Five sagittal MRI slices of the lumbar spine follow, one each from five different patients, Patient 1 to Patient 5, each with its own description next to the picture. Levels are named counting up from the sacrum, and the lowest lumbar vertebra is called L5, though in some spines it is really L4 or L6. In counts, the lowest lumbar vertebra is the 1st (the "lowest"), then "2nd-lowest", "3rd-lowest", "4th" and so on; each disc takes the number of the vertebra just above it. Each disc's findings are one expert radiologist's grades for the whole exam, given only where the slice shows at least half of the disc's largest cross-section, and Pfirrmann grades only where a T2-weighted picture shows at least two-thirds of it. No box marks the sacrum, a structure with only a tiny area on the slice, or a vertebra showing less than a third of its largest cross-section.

Patient 1 of 5:
T2-weighted sagittal MRI of the lumbar spine. 808x798 px. Field of view 286x282 mm, slice spacing 3.4 mm.

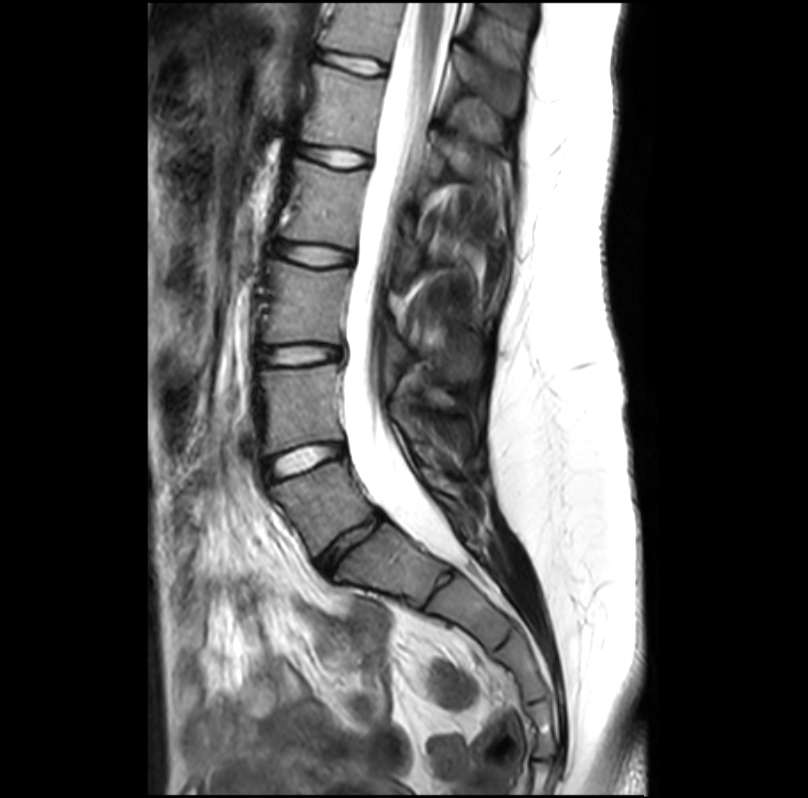 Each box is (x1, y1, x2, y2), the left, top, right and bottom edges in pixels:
Disc L1/L2 at (300, 146, 367, 167), L4/L5 at (267, 443, 343, 478), L5/S1 at (317, 514, 383, 572), spinal canal at (343, 3, 457, 561), T12 vertebra at (323, 3, 520, 113), L5 at (270, 463, 461, 555), L1 at (304, 65, 486, 178), L2 at (283, 159, 422, 289), L4 vertebra at (258, 364, 467, 459), L2/L3 at (275, 242, 350, 264), L3 at (263, 262, 409, 385), disc L3/L4 at (259, 346, 339, 363), T12/L1 at (319, 53, 384, 74).

Degenerative findings by level:
- L4/L5: Pfirrmann grade 1
- T12/L1: Pfirrmann grade 1
- L1/L2: Pfirrmann grade 1
- L3/L4: Pfirrmann grade 1, disc bulging
- L2/L3: Pfirrmann grade 1
- L5/S1: Pfirrmann grade 3, disc narrowing

Patient 2 of 5:
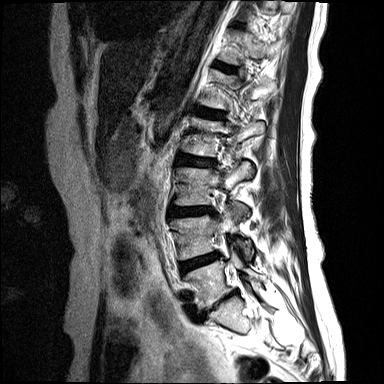
Image 384x384. Slice 12 of 15. MRI lumbar spine (T2-weighted), sagittal plane. Field of view 280x280 mm, slice spacing 4.4 mm.
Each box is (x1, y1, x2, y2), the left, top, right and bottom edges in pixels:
6th vertebra — (222, 30, 277, 64) | 2nd-lowest disc — (180, 252, 219, 274) | 4th disc — (178, 156, 215, 166) | lowest disc — (202, 292, 236, 316) | 5th disc — (197, 107, 224, 118) | 3rd-lowest vertebra — (174, 162, 254, 205) | 4th vertebra — (183, 117, 265, 156) | 6th disc — (213, 62, 236, 71) | 5th vertebra — (202, 70, 276, 109) | 2nd-lowest vertebra — (171, 202, 251, 260) | 3rd-lowest disc — (170, 208, 213, 216) | lowest vertebra — (185, 249, 259, 310)

Degenerative findings by level:
• 4th disc: upper-endplate change, disc bulging, Modic type II
• 2nd-lowest disc: Modic type II, disc bulging
• 3rd-lowest disc: Pfirrmann grade 4, Modic type II, disc bulging, disc narrowing
• lowest disc: lower-endplate change, disc narrowing, disc bulging, Modic type II, upper-endplate change
• 5th disc: Modic type II

Patient 3 of 5:
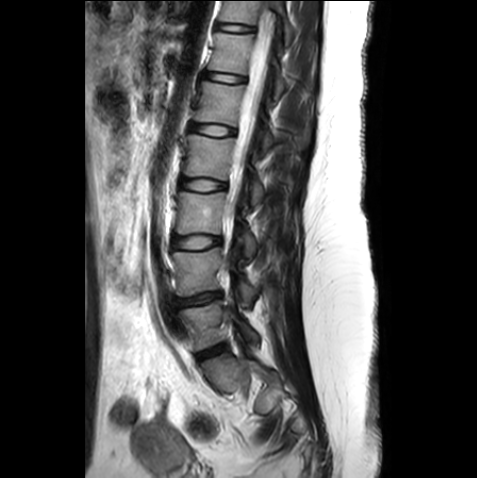 Field of view 280x281 mm, slice spacing 3.3 mm; T2-weighted sagittal MRI of the lumbar spine
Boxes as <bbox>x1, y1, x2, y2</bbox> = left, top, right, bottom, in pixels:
{"disc L5/S1": "<bbox>197, 343, 226, 361</bbox>", "L3/L4": "<bbox>172, 235, 220, 248</bbox>", "disc L4/L5": "<bbox>175, 292, 220, 306</bbox>", "L2": "<bbox>184, 134, 263, 205</bbox>", "T11": "<bbox>219, 1, 294, 45</bbox>", "disc L1/L2": "<bbox>189, 123, 235, 135</bbox>", "L4 vertebra": "<bbox>172, 247, 259, 304</bbox>", "L2/L3": "<bbox>180, 178, 226, 190</bbox>", "T12/L1": "<bbox>205, 71, 245, 82</bbox>", "T12": "<bbox>209, 32, 287, 98</bbox>", "T11/T12": "<bbox>216, 22, 253, 31</bbox>", "thecal sac / spinal canal": "<bbox>226, 21, 271, 227</bbox>", "L1 vertebra": "<bbox>194, 81, 308, 155</bbox>", "L5 vertebra": "<bbox>180, 301, 258, 350</bbox>", "L3 vertebra": "<bbox>176, 192, 255, 256</bbox>"}

Per-level radiological findings:
  L2/L3: Pfirrmann grade 1
  T11/T12: Pfirrmann grade 1
  T12/L1: Pfirrmann grade 1
  L1/L2: Pfirrmann grade 1
  L3/L4: Pfirrmann grade 1
  L4/L5: Pfirrmann grade 3, disc narrowing, disc bulging

Patient 4 of 5:
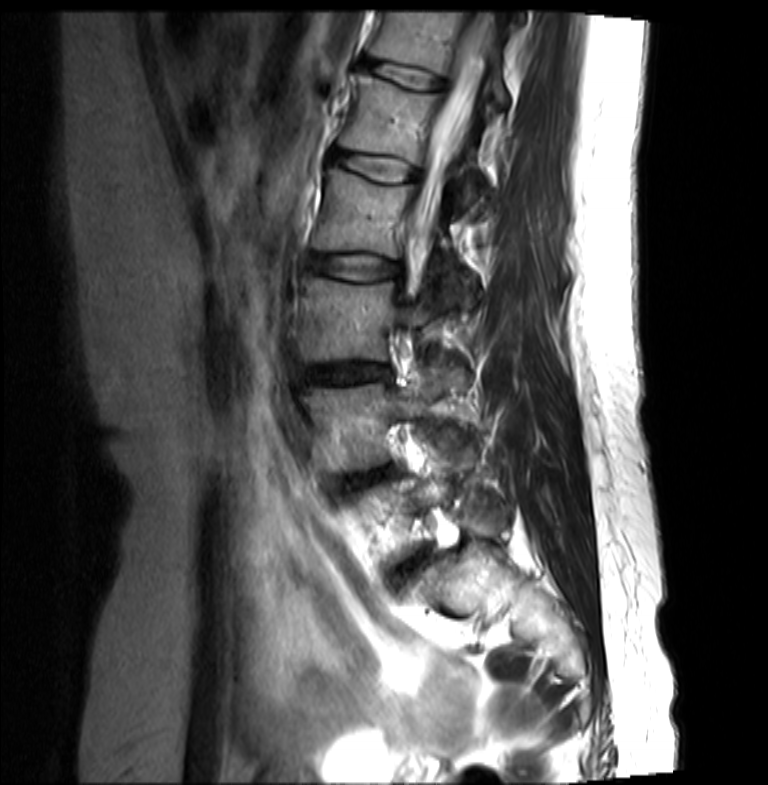
T2-weighted sagittal MRI of the lumbar spine.

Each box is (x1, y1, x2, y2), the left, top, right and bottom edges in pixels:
T12 vertebra at (369, 10, 508, 105), L1 vertebra at (339, 73, 483, 209), L2 vertebra at (313, 169, 468, 302), T12/L1 at (360, 61, 444, 90), disc L1/L2 at (331, 152, 416, 181), L2/L3 at (311, 255, 401, 279), L3/L4 at (309, 366, 389, 383), L3 vertebra at (303, 275, 434, 360), spinal canal at (413, 13, 496, 252), L4 vertebra at (303, 366, 467, 469).

Expert MSK radiologist gradings (per disc):
  L2/L3: Pfirrmann grade 2
  L3/L4: disc bulging
  L1/L2: Pfirrmann grade 2
  T12/L1: Pfirrmann grade 2

Patient 5 of 5:
Field of view 280x282 mm. Sagittal T1-weighted lumbar spine MRI.

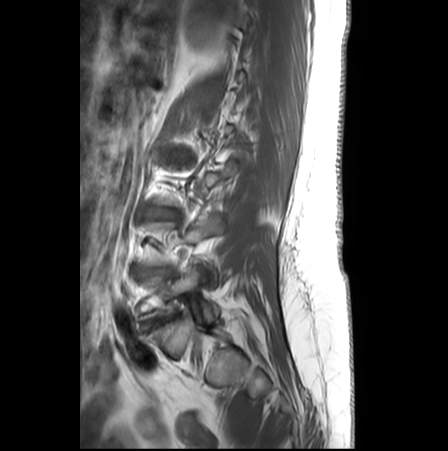
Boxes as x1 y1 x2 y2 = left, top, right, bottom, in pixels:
{"L4/L5 (2nd-lowest disc)": "135 268 174 276", "L5 (lowest vertebra)": "140 266 214 321", "intervertebral disc L3/L4 (3rd-lowest disc)": "157 209 177 218", "L5/S1 (lowest disc)": "142 315 172 330"}

Degenerative findings by level:
• L4/L5 (2nd-lowest disc): upper-endplate change, disc bulging, disc narrowing, Modic type II